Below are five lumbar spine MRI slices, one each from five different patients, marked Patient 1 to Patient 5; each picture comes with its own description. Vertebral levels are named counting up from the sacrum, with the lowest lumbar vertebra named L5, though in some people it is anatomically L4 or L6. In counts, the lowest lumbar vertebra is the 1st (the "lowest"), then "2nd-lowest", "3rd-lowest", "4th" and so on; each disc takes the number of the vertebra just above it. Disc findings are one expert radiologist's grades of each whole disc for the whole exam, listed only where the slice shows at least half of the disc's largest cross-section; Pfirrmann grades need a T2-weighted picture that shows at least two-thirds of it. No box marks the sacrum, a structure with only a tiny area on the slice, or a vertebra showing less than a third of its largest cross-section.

Patient 1 of 5:
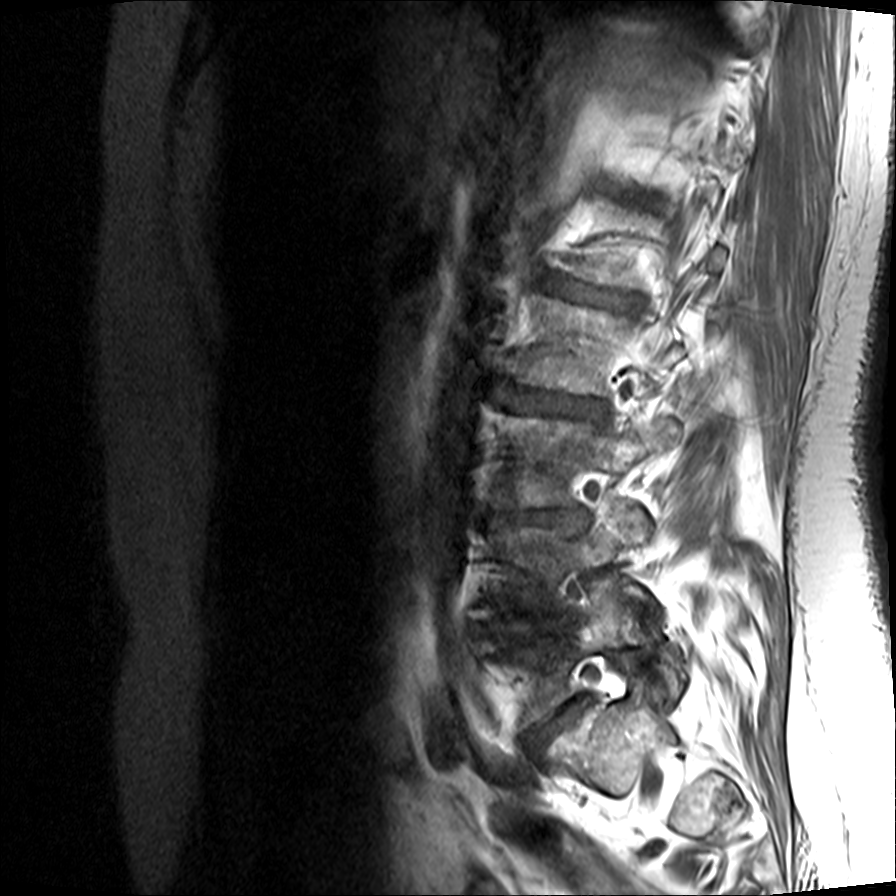 T1-weighted sagittal MRI of the lumbar spine; Sex F
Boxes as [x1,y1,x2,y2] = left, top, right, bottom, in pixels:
Segmented structures:
• L4 vertebra = [496,504,651,603]
• disc L2/L3 = [502,387,604,417]
• L5 = [515,581,683,724]
• disc L3/L4 = [490,510,589,528]
• L3 vertebra = [496,416,677,507]
• L1/L2 = [546,273,642,309]
• disc L5/S1 = [530,698,589,753]
• L2 vertebra = [518,296,685,394]

Expert MSK radiologist gradings (per disc):
  L3/L4: disc herniation, disc narrowing, Modic type II, upper-endplate change, lower-endplate change
  L2/L3: upper-endplate change, lower-endplate change, disc narrowing, Modic type II, disc bulging
  L1/L2: disc narrowing, disc bulging, lower-endplate change, upper-endplate change, Modic type II

Patient 2 of 5:
Scanner: Philips Healthcare Ingenia (3T). T2-weighted sagittal MRI of the lumbar spine. 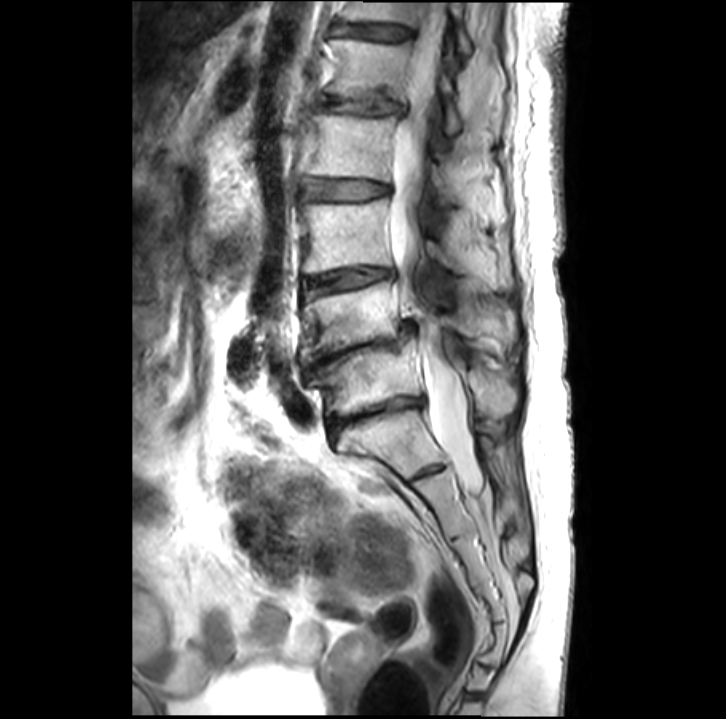

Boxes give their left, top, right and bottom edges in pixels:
5th disc: left=323, top=97, right=400, bottom=113.
2nd-lowest vertebra: left=301, top=280, right=513, bottom=362.
4th vertebra: left=309, top=114, right=456, bottom=205.
6th disc: left=339, top=23, right=410, bottom=37.
Thecal sac / spinal canal: left=390, top=1, right=485, bottom=492.
2nd-lowest disc: left=306, top=323, right=413, bottom=375.
Lowest disc: left=327, top=396, right=422, bottom=432.
4th disc: left=306, top=178, right=387, bottom=198.
3rd-lowest vertebra: left=301, top=199, right=510, bottom=290.
Lowest vertebra: left=309, top=337, right=516, bottom=414.
5th vertebra: left=330, top=37, right=462, bottom=134.
3rd-lowest disc: left=307, top=268, right=390, bottom=289.
6th vertebra: left=344, top=0, right=471, bottom=54.

Radiological gradings:
- 5th disc: Pfirrmann grade 4, disc narrowing, disc bulging
- 4th disc: Pfirrmann grade 2
- 3rd-lowest disc: Pfirrmann grade 3, disc narrowing, Modic type II
- 2nd-lowest disc: Pfirrmann grade 5, disc narrowing
- lowest disc: Pfirrmann grade 5, disc narrowing, Modic type II
- 6th disc: Pfirrmann grade 2, disc bulging

Patient 3 of 5:
Lumbar spine MR, T1-weighted, sagittal. Field of view 280x280 mm. Image 461x462.

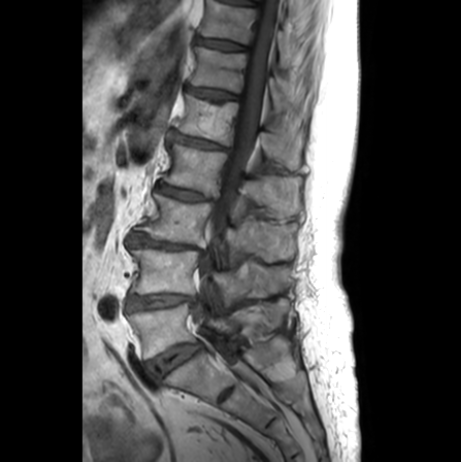
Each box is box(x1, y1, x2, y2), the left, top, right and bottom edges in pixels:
L4 = box(130, 246, 290, 305).
L5 = box(127, 298, 290, 358).
L4/L5 = box(127, 293, 194, 309).
T11/T12 = box(197, 36, 246, 50).
L2/L3 = box(158, 183, 215, 200).
L3 vertebra = box(133, 191, 296, 261).
T12 = box(190, 45, 307, 115).
T11 vertebra = box(199, 0, 297, 67).
Intervertebral disc L3/L4 = box(127, 230, 203, 253).
Intervertebral disc T12/L1 = box(187, 85, 236, 100).
L5/S1 = box(148, 342, 202, 377).
Intervertebral disc L1/L2 = box(169, 131, 230, 150).
L1 vertebra = box(175, 93, 303, 169).
L2 = box(162, 143, 300, 216).
Spinal canal = box(196, 0, 280, 385).

Radiological gradings:
• L5/S1: Modic type II
• L2/L3: disc narrowing, upper-endplate change, lower-endplate change
• T12/L1: upper-endplate change
• L1/L2: upper-endplate change, disc bulging, lower-endplate change, disc narrowing
• L3/L4: Modic type II, lower-endplate change, upper-endplate change, disc narrowing
• L4/L5: Modic type II, disc narrowing
• T11/T12: no spondylolisthesis, narrowing, bulging, herniation, Modic or endplate change recorded

Patient 4 of 5:
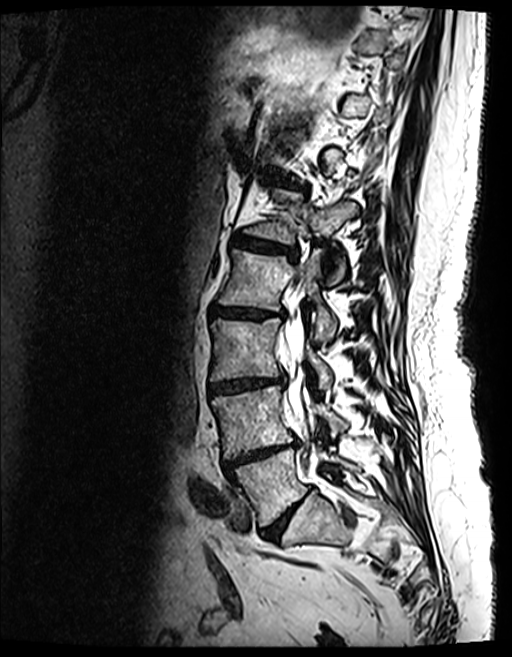 Slice spacing 0.9 mm; T2 SPACE (3D) sagittal MRI of the lumbar spine; Patient sex: F

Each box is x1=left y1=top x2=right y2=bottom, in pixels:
disc L5/S1: x1=261 y1=499 x2=303 y2=538 | L3/L4: x1=209 y1=376 x2=285 y2=393 | L4 vertebra: x1=211 y1=385 x2=348 y2=458 | disc L1/L2: x1=231 y1=237 x2=297 y2=259 | disc L2/L3: x1=210 y1=303 x2=285 y2=317 | L1 vertebra: x1=242 y1=187 x2=357 y2=282 | L4/L5: x1=224 y1=441 x2=299 y2=473 | thecal sac / spinal canal: x1=283 y1=279 x2=320 y2=459 | T12/L1: x1=281 y1=181 x2=306 y2=191 | L5: x1=233 y1=448 x2=355 y2=526 | L3 vertebra: x1=210 y1=318 x2=331 y2=386 | L2 vertebra: x1=218 y1=249 x2=336 y2=337

Per-level radiological findings:
- L2/L3: Pfirrmann grade 4, disc narrowing, Modic type II, lower-endplate change, disc bulging, upper-endplate change
- L3/L4: Pfirrmann grade 4, lower-endplate change, disc narrowing, upper-endplate change, Modic type II, disc bulging
- L5/S1: disc narrowing, disc bulging
- L1/L2: Pfirrmann grade 4, Modic type II, disc bulging, upper-endplate change, lower-endplate change, disc narrowing
- L4/L5: Pfirrmann grade 5, lower-endplate change, upper-endplate change, Modic type II, disc bulging, disc narrowing

Patient 5 of 5:
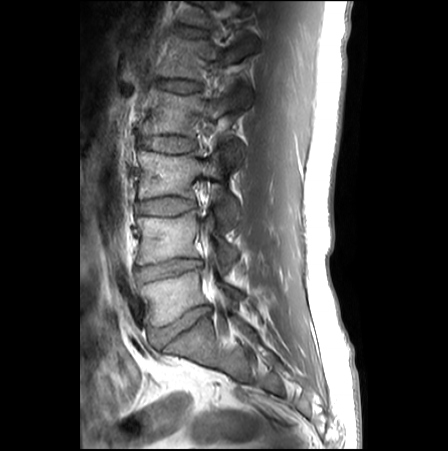

T1-weighted sagittal MRI of the lumbar spine. Slice 18/27.

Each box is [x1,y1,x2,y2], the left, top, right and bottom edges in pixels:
L2 vertebra — [142,91,244,162] | intervertebral disc T12/L1 — [185,31,202,37] | L5/S1 — [152,306,210,346] | intervertebral disc L3/L4 — [137,197,195,215] | intervertebral disc L4/L5 — [137,259,201,282] | L2/L3 — [140,136,194,152] | L4 — [137,211,238,268] | intervertebral disc L1/L2 — [163,82,198,92] | L5 vertebra — [141,269,241,326] | L1 — [163,36,254,106] | L3 — [138,152,240,228]

Expert MSK radiologist gradings (per disc):
  L4/L5: disc narrowing, disc bulging
  L5/S1: disc narrowing, disc bulging
  L2/L3, L3/L4: no spondylolisthesis, narrowing, bulging, herniation, Modic or endplate change recorded